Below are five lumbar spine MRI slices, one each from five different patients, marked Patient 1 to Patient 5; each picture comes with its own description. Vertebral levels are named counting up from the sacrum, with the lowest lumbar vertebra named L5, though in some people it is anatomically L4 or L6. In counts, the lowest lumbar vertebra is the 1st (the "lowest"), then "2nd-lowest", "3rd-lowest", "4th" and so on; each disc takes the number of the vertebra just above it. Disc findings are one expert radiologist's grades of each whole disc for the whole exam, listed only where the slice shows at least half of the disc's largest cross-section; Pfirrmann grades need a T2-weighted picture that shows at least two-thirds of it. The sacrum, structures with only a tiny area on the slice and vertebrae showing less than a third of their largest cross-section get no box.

Patient 1 of 5:
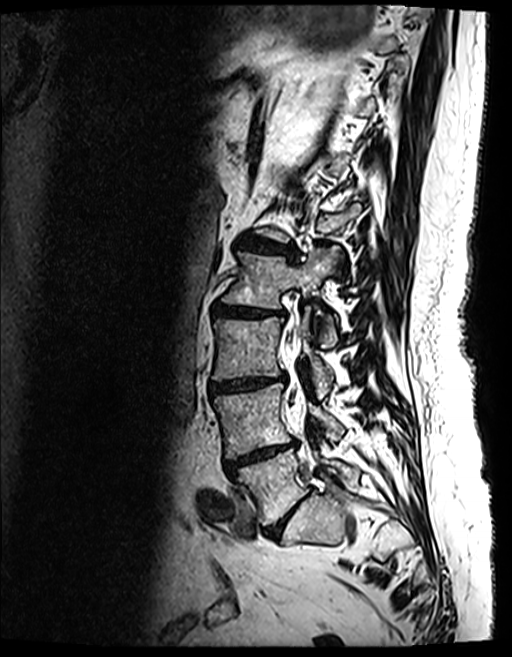 Sagittal T2 SPACE (3D) lumbar spine MRI; Sagittal slice index 92
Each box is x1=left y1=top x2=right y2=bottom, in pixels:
Intervertebral disc L3/L4 at x1=210 y1=375 x2=285 y2=393, L4 at x1=213 y1=383 x2=343 y2=457, L3 at x1=213 y1=307 x2=332 y2=398, L2 vertebra at x1=223 y1=247 x2=338 y2=342, L5 at x1=236 y1=449 x2=359 y2=525, thecal sac / spinal canal at x1=288 y1=331 x2=306 y2=420, intervertebral disc L1/L2 at x1=238 y1=239 x2=296 y2=260, L4/L5 at x1=225 y1=442 x2=297 y2=476, L5/S1 at x1=263 y1=500 x2=303 y2=537, L2/L3 at x1=213 y1=302 x2=285 y2=317.

Expert MSK radiologist gradings (per disc):
  L4/L5: Pfirrmann grade 5, disc narrowing, upper-endplate change, Modic type II, disc bulging, lower-endplate change
  L3/L4: Pfirrmann grade 4, upper-endplate change, Modic type II, disc bulging, lower-endplate change, disc narrowing
  L1/L2: Modic type II, upper-endplate change, lower-endplate change, disc bulging, disc narrowing
  L2/L3: Pfirrmann grade 4, disc narrowing, lower-endplate change, disc bulging, upper-endplate change, Modic type II

Patient 2 of 5:
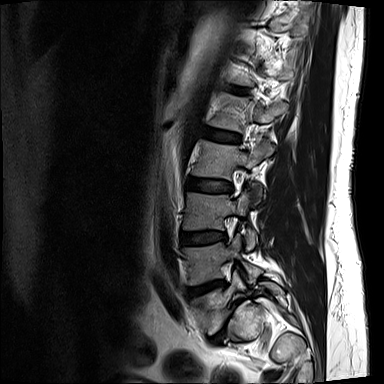 T2-weighted sagittal MRI of the lumbar spine, Patient sex: M

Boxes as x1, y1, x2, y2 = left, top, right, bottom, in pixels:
{"4th disc": "187, 178, 231, 191", "6th disc": "228, 86, 246, 94", "4th vertebra": "193, 140, 274, 179", "2nd-lowest disc": "187, 280, 224, 297", "3rd-lowest disc": "181, 232, 224, 245", "lowest disc": "212, 303, 235, 342", "lowest vertebra": "192, 270, 283, 332", "2nd-lowest vertebra": "183, 234, 260, 285", "5th vertebra": "209, 94, 287, 131", "3rd-lowest vertebra": "183, 191, 256, 249", "5th disc": "203, 127, 239, 143"}

Per-level radiological findings:
  2nd-lowest disc: disc narrowing, lower-endplate change, disc herniation, Modic type II, upper-endplate change
  4th disc: Pfirrmann grade 2, disc bulging
  5th disc: Pfirrmann grade 2, disc bulging
  3rd-lowest disc: Pfirrmann grade 2, disc bulging

Patient 3 of 5:
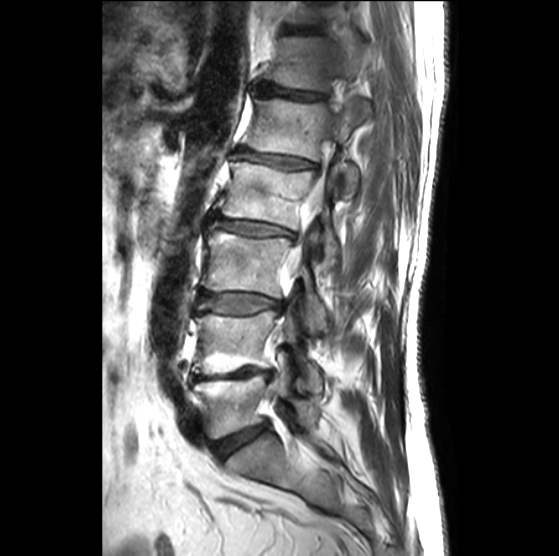
Sex M, Slice spacing 3.3 mm, Lumbar spine MR, T2-weighted, sagittal
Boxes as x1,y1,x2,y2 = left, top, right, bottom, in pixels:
Segmented structures:
* intervertebral disc T11/T12 at 285,26,322,33
* L1 vertebra at 243,98,368,195
* spinal canal at 284,166,328,280
* L3/L4 at 199,292,281,312
* L5 at 193,372,318,438
* L2 at 217,160,338,261
* L4/L5 at 193,367,272,379
* L1/L2 at 235,149,316,171
* L4 at 192,308,321,391
* T12 vertebra at 266,36,363,91
* L3 vertebra at 202,226,327,333
* intervertebral disc L2/L3 at 213,215,293,237
* L5/S1 at 215,422,267,459
* intervertebral disc T12/L1 at 258,85,325,100

Radiological gradings:
  L2/L3: Pfirrmann grade 3, upper-endplate change, lower-endplate change, Modic type II, disc bulging, disc narrowing
  L3/L4: Pfirrmann grade 2, disc bulging
  L4/L5: Pfirrmann grade 5, lower-endplate change, upper-endplate change, disc narrowing, Modic type II
  T12/L1: Pfirrmann grade 3, disc narrowing
  L1/L2: Pfirrmann grade 3, Modic type III, upper-endplate change, disc bulging, lower-endplate change, disc narrowing

Patient 4 of 5:
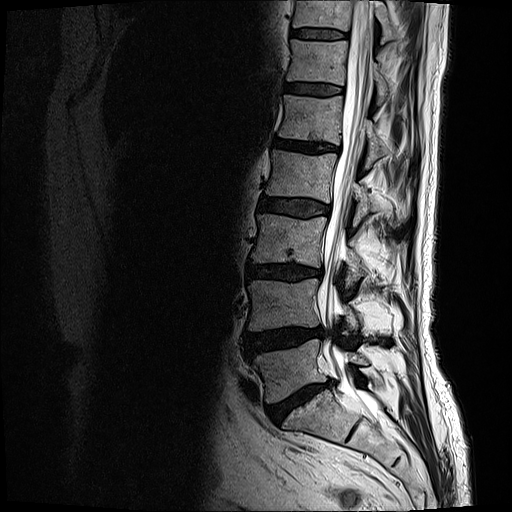 T2-weighted sagittal MRI of the lumbar spine

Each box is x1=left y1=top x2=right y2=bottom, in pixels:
T12 vertebra at x1=288 y1=39 x2=390 y2=101, intervertebral disc T12/L1 at x1=286 y1=84 x2=343 y2=96, T11 at x1=293 y1=0 x2=396 y2=43, L3 vertebra at x1=252 y1=213 x2=363 y2=282, T11/T12 at x1=292 y1=30 x2=347 y2=38, L2/L3 at x1=258 y1=196 x2=330 y2=219, L4 at x1=248 y1=279 x2=359 y2=332, L5 vertebra at x1=251 y1=340 x2=367 y2=404, intervertebral disc L5/S1 at x1=267 y1=381 x2=331 y2=424, L1 at x1=279 y1=94 x2=384 y2=164, thecal sac / spinal canal at x1=316 y1=0 x2=374 y2=395, intervertebral disc L4/L5 at x1=244 y1=326 x2=324 y2=355, L3/L4 at x1=248 y1=264 x2=323 y2=281, L2 vertebra at x1=265 y1=149 x2=403 y2=226, intervertebral disc L1/L2 at x1=274 y1=138 x2=339 y2=153.

Radiological gradings:
• L3/L4: Pfirrmann grade 4, Modic type II, disc bulging, disc narrowing, lower-endplate change
• L2/L3: Pfirrmann grade 3, disc bulging
• L4/L5: Pfirrmann grade 4, disc herniation, disc bulging
• L1/L2: Pfirrmann grade 4, upper-endplate change, disc narrowing, disc bulging, Modic type II, lower-endplate change
• T11/T12: Pfirrmann grade 3
• L5/S1: Pfirrmann grade 5, disc bulging, disc narrowing, lower-endplate change, Modic type II
• T12/L1: Pfirrmann grade 3

Patient 5 of 5:
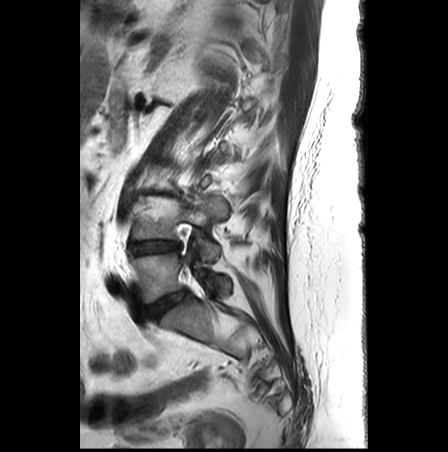 MRI lumbar spine (T2-weighted), sagittal plane | Image 448x452
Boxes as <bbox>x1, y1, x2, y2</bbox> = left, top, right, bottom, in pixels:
L4 at <bbox>131, 196, 227, 262</bbox>, L5 vertebra at <bbox>130, 252, 230, 303</bbox>, L5/S1 at <bbox>147, 291, 186, 319</bbox>, intervertebral disc L4/L5 at <bbox>129, 241, 179, 254</bbox>.

Radiological gradings:
  L4/L5: Pfirrmann grade 5, Modic type II, lower-endplate change, upper-endplate change, disc bulging, disc narrowing
  L5/S1: no herniation, bulging, narrowing, spondylolisthesis, endplate or Modic change recorded